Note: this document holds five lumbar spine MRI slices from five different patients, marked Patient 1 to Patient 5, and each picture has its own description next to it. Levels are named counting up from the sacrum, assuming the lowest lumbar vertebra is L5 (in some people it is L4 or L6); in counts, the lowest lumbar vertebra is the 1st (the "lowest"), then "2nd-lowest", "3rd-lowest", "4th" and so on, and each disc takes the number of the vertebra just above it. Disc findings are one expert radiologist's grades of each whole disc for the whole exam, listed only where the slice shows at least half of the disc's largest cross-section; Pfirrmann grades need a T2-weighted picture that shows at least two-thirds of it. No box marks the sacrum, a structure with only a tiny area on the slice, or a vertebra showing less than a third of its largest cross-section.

Patient 1 of 5:
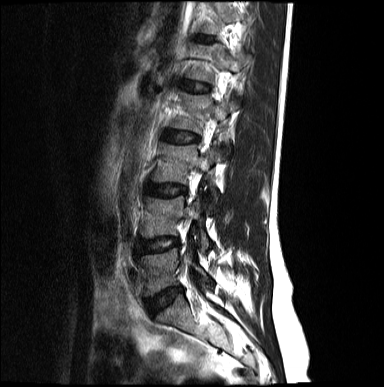

Image 384x387. Sagittal slice index 10. Sagittal T2-weighted lumbar spine MRI.
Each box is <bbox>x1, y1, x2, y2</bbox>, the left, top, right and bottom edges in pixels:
Segmented structures:
• L3 vertebra: <bbox>152, 142, 217, 208</bbox>
• L2/L3: <bbox>164, 131, 199, 142</bbox>
• L5 vertebra: <bbox>138, 248, 211, 295</bbox>
• L3/L4: <bbox>145, 183, 185, 195</bbox>
• intervertebral disc L4/L5: <bbox>138, 238, 178, 253</bbox>
• L5/S1: <bbox>147, 288, 181, 313</bbox>
• L1 vertebra: <bbox>188, 44, 250, 82</bbox>
• L4 vertebra: <bbox>140, 196, 208, 253</bbox>
• L2 vertebra: <bbox>170, 92, 238, 152</bbox>

Expert MSK radiologist gradings (per disc):
  L3/L4: Pfirrmann grade 2, disc bulging
  L4/L5: Pfirrmann grade 2, disc bulging
  L5/S1: disc narrowing, disc bulging
  L2/L3: no Modic or endplate change, herniation, narrowing, bulging or spondylolisthesis recorded

Patient 2 of 5:
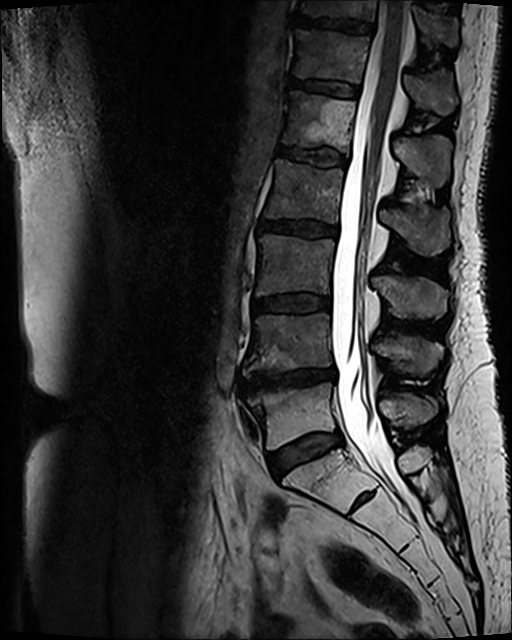

Sagittal slice index 65. Field of view 240x300 mm. Sex F. MRI lumbar spine (T2 SPACE (3D)), sagittal plane.
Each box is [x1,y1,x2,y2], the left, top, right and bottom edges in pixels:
Segmented structures:
- L3: [256,235,446,319]
- T11 vertebra: [298,0,457,45]
- T12/L1: [290,79,359,97]
- L3/L4: [254,295,330,312]
- L5: [239,383,437,449]
- intervertebral disc L2/L3: [258,221,337,236]
- L4 vertebra: [242,313,443,377]
- L2: [266,160,449,254]
- thecal sac / spinal canal: [331,0,409,504]
- intervertebral disc L5/S1: [268,433,343,478]
- L1 vertebra: [283,91,451,186]
- intervertebral disc L4/L5: [240,369,335,393]
- L1/L2: [276,146,346,166]
- T12: [293,31,456,114]
- T11/T12: [294,17,374,33]

Expert MSK radiologist gradings (per disc):
• L3/L4: Pfirrmann grade 3, Modic type II, disc bulging
• L5/S1: Pfirrmann grade 3, Modic type II, disc bulging
• L4/L5: Pfirrmann grade 4, upper-endplate change, lower-endplate change, Modic type II, disc bulging, disc narrowing
• L1/L2: Pfirrmann grade 3, Modic type II
• T12/L1: Pfirrmann grade 3, Modic type II
• L2/L3: Pfirrmann grade 3, Modic type II, disc bulging
• T11/T12: Pfirrmann grade 4, upper-endplate change, Modic type II, lower-endplate change

Patient 3 of 5:
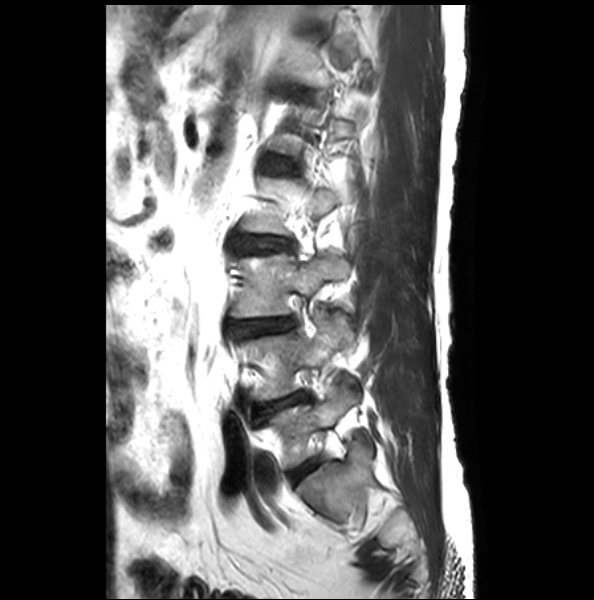
T2-weighted sagittal MRI of the lumbar spine

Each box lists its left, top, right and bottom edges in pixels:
intervertebral disc L5/S1: left=286, top=458, right=322, bottom=485 | L5 vertebra: left=269, top=384, right=373, bottom=469 | L3/L4: left=232, top=318, right=295, bottom=337 | L2/L3: left=240, top=237, right=292, bottom=252 | intervertebral disc L4/L5: left=253, top=390, right=309, bottom=416 | L4 vertebra: left=245, top=314, right=361, bottom=401 | L3: left=231, top=254, right=348, bottom=318

Radiological gradings:
• L3/L4: Pfirrmann grade 2, disc narrowing, disc bulging
• L4/L5: disc narrowing, disc bulging, lower-endplate change
• L2/L3: disc narrowing, disc bulging

Patient 4 of 5:
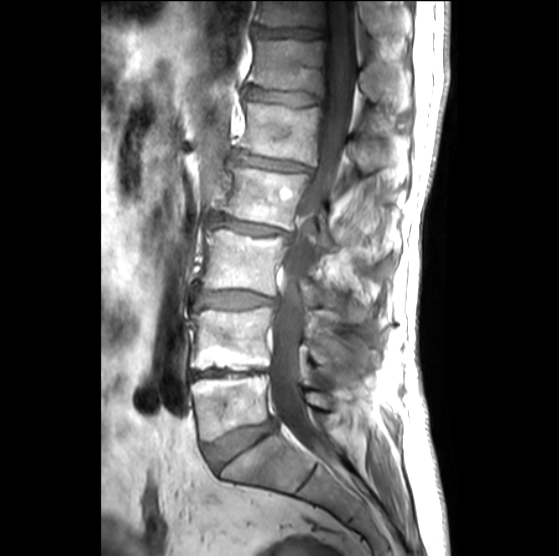 Slice 13 of 27; Image 559x556; MRI lumbar spine (T1-weighted), sagittal plane

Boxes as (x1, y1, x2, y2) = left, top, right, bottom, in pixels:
L2 (4th vertebra) at (221, 162, 396, 249).
L4 (2nd-lowest vertebra) at (191, 306, 378, 370).
T11 (7th vertebra) at (257, 1, 411, 37).
L2/L3 (4th disc) at (209, 214, 291, 237).
T12 (6th vertebra) at (248, 37, 411, 109).
L5 (lowest vertebra) at (191, 373, 332, 441).
L3 (3rd-lowest vertebra) at (202, 229, 367, 321).
IVD T12/L1 (6th disc) at (246, 86, 316, 105).
L4/L5 (2nd-lowest disc) at (191, 368, 268, 377).
L1/L2 (5th disc) at (234, 155, 310, 172).
L1 (5th vertebra) at (235, 101, 409, 181).
L5/S1 (lowest disc) at (206, 419, 274, 470).
Thecal sac / spinal canal at (269, 1, 354, 466).
L3/L4 (3rd-lowest disc) at (195, 290, 276, 307).
IVD T11/T12 (7th disc) at (255, 26, 323, 37).

Degenerative findings by level:
  L3/L4 (3rd-lowest disc): disc bulging
  T11/T12 (7th disc): disc narrowing
  L1/L2 (5th disc): disc bulging, Modic type III, disc narrowing, lower-endplate change, upper-endplate change
  L5/S1 (lowest disc): disc bulging
  T12/L1 (6th disc): disc narrowing
  L2/L3 (4th disc): disc narrowing, upper-endplate change, lower-endplate change, Modic type II, disc bulging
  L4/L5 (2nd-lowest disc): disc narrowing, upper-endplate change, Modic type II, lower-endplate change

Patient 5 of 5:
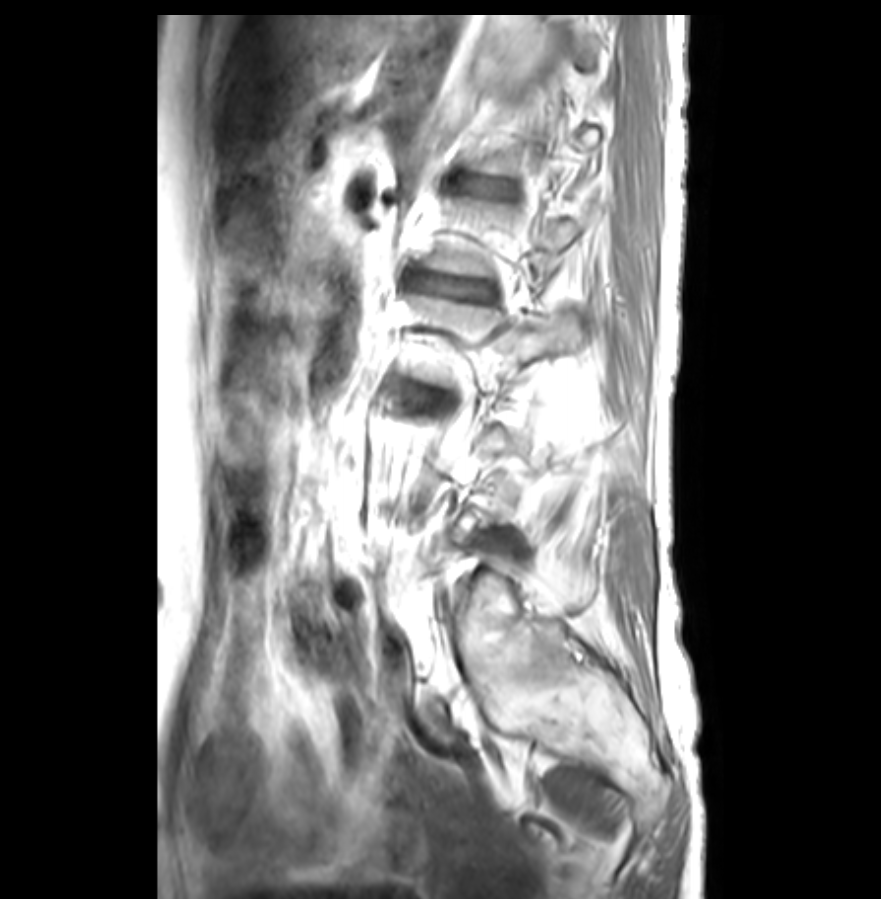 Sagittal T1-weighted lumbar spine MRI; 881x899 px; Field of view 280x286 mm, slice spacing 3.3 mm
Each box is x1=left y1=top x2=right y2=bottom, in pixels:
Intervertebral disc L2/L3 (4th disc) at x1=411 y1=276 x2=491 y2=299.
Intervertebral disc L3/L4 (3rd-lowest disc) at x1=409 y1=387 x2=449 y2=407.
Intervertebral disc L1/L2 (5th disc) at x1=462 y1=177 x2=510 y2=195.

Per-level radiological findings:
  L2/L3 (4th disc): disc bulging, upper-endplate change, lower-endplate change, Modic type II, disc herniation, disc narrowing